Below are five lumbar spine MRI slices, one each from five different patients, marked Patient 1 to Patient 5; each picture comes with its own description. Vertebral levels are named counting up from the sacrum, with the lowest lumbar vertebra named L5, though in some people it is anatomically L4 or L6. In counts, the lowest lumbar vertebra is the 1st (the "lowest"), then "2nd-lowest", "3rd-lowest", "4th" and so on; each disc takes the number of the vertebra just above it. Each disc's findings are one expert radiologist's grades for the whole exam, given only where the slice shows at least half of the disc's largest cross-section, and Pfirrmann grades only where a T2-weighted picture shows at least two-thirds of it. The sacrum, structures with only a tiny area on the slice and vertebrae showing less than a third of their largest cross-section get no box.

Patient 1 of 5:
T2 SPACE (3D) sagittal MRI of the lumbar spine. Sagittal slice index 55. Patient sex: F.
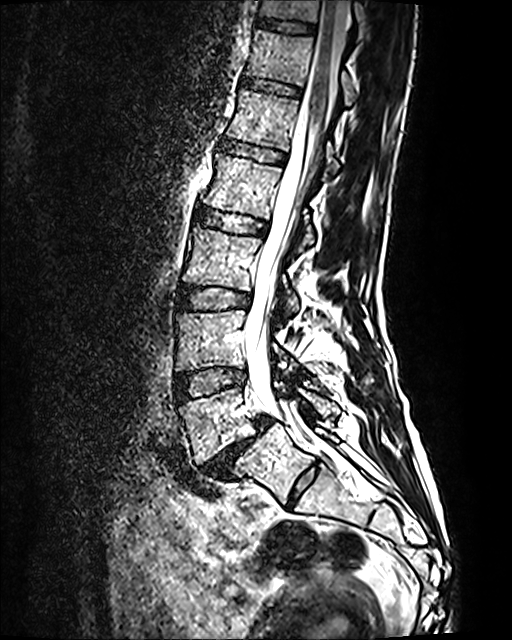

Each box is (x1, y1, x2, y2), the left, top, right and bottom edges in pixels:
IVD T11/T12 — (257, 19, 314, 32).
L4 — (177, 310, 293, 377).
T12 — (245, 31, 356, 106).
L3 — (183, 226, 299, 315).
L1 vertebra — (227, 89, 339, 178).
IVD L2/L3 — (195, 209, 266, 234).
L2 vertebra — (203, 154, 313, 252).
IVD L1/L2 — (220, 141, 284, 163).
T11 vertebra — (259, 0, 370, 38).
Thecal sac / spinal canal — (244, 0, 349, 452).
IVD L4/L5 — (174, 367, 245, 401).
IVD T12/L1 — (242, 78, 299, 96).
L3/L4 — (177, 287, 249, 309).
L5/S1 — (202, 416, 272, 478).
L5 vertebra — (179, 388, 340, 462).

Expert MSK radiologist gradings (per disc):
- L4/L5: Pfirrmann grade 2
- L3/L4: Pfirrmann grade 2
- L2/L3: Pfirrmann grade 2
- T11/T12: Pfirrmann grade 2
- T12/L1: Pfirrmann grade 2
- L5/S1: Pfirrmann grade 5, spondylolisthesis, disc bulging, disc narrowing, Modic type II
- L1/L2: Pfirrmann grade 2

Patient 2 of 5:
Sagittal slice index 6, MRI lumbar spine (T1-weighted), sagittal plane, Sex F, Field of view 280x280 mm, slice spacing 4.4 mm
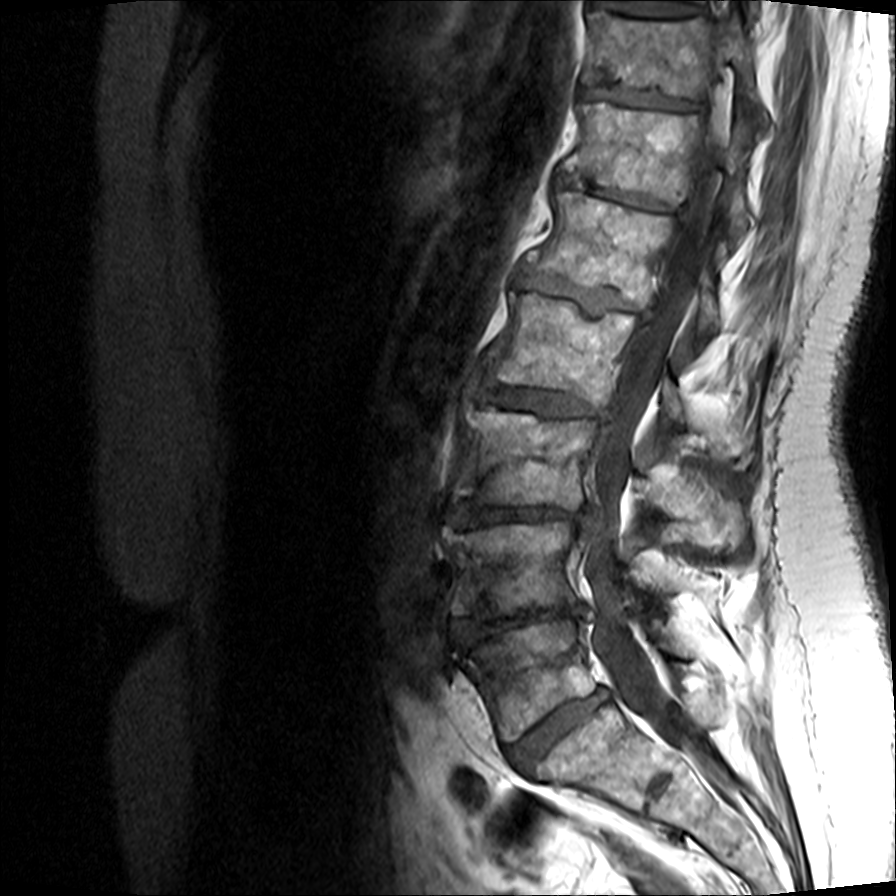

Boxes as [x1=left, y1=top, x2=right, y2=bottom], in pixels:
3rd-lowest disc — [x1=445, y1=500, x2=599, y2=533].
6th vertebra — [x1=565, y1=102, x2=752, y2=236].
4th disc — [x1=472, y1=377, x2=607, y2=417].
5th disc — [x1=519, y1=268, x2=653, y2=319].
2nd-lowest vertebra — [x1=444, y1=521, x2=664, y2=615].
Lowest vertebra — [x1=465, y1=620, x2=684, y2=740].
3rd-lowest vertebra — [x1=453, y1=398, x2=745, y2=545].
2nd-lowest disc — [x1=451, y1=604, x2=592, y2=646].
5th vertebra — [x1=528, y1=191, x2=720, y2=332].
7th disc — [x1=586, y1=85, x2=698, y2=109].
6th disc — [x1=557, y1=173, x2=675, y2=209].
Thecal sac / spinal canal — [x1=584, y1=134, x2=722, y2=775].
4th vertebra — [x1=484, y1=291, x2=752, y2=452].
Lowest disc — [x1=509, y1=689, x2=606, y2=771].
7th vertebra — [x1=585, y1=10, x2=754, y2=97].

Expert MSK radiologist gradings (per disc):
• lowest disc: disc bulging, upper-endplate change, lower-endplate change, disc narrowing, Modic type II
• 2nd-lowest disc: lower-endplate change, upper-endplate change, disc herniation, Modic type II, disc narrowing
• 3rd-lowest disc: Modic type II, lower-endplate change, disc narrowing, upper-endplate change, disc herniation
• 5th disc: upper-endplate change, Modic type II, lower-endplate change, disc bulging, disc narrowing
• 6th disc: lower-endplate change, disc bulging, Modic type II, disc narrowing, upper-endplate change
• 4th disc: lower-endplate change, upper-endplate change, Modic type II, disc narrowing, disc bulging
• 7th disc: upper-endplate change, Modic type II, lower-endplate change, disc narrowing

Patient 3 of 5:
T1-weighted sagittal MRI of the lumbar spine, 384x384 px, Sex F 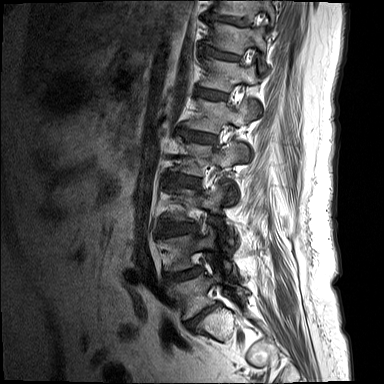
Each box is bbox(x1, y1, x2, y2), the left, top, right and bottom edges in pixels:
Disc L1/L2: bbox(179, 129, 214, 143).
L1 vertebra: bbox(188, 100, 257, 132).
T10/T11: bbox(209, 15, 248, 26).
L4: bbox(169, 228, 232, 274).
L2: bbox(174, 138, 247, 204).
T12/L1: bbox(199, 89, 224, 99).
T12: bbox(202, 59, 259, 91).
Disc L4/L5: bbox(165, 267, 201, 282).
T10: bbox(215, 0, 274, 20).
Disc L2/L3: bbox(168, 174, 199, 187).
T11 vertebra: bbox(210, 23, 270, 53).
L5: bbox(170, 271, 248, 318).
Disc L3/L4: bbox(161, 223, 196, 233).
T11/T12: bbox(204, 49, 239, 60).
Disc L5/S1: bbox(187, 303, 219, 328).

Radiological gradings:
• L3/L4: disc bulging
• L2/L3: disc bulging
• T10/T11: Modic type II, lower-endplate change, disc narrowing
• T12/L1: Modic type II
• L1/L2: disc bulging
• L4/L5: disc bulging, disc narrowing, upper-endplate change, lower-endplate change, Modic type II
• T11/T12: upper-endplate change, Modic type II

Patient 4 of 5:
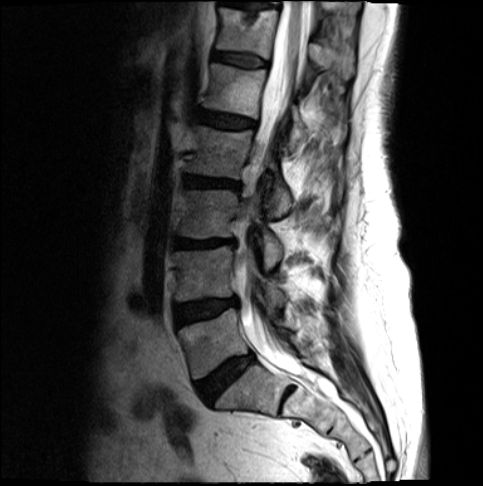 Sagittal T2-weighted lumbar spine MRI.
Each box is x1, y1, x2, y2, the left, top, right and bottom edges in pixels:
* 5th disc = 196, 111, 253, 127
* lowest disc = 197, 354, 253, 402
* 2nd-lowest vertebra = 172, 246, 284, 305
* 6th disc = 211, 52, 263, 66
* 2nd-lowest disc = 173, 297, 239, 326
* 6th vertebra = 214, 7, 353, 79
* 4th disc = 182, 176, 240, 188
* 3rd-lowest disc = 172, 238, 236, 247
* spinal canal = 232, 0, 306, 374
* lowest vertebra = 177, 308, 292, 379
* 4th vertebra = 183, 124, 338, 217
* 5th vertebra = 200, 63, 345, 146
* 3rd-lowest vertebra = 175, 189, 283, 267

Radiological gradings:
- 3rd-lowest disc: disc narrowing, disc bulging
- 5th disc: Pfirrmann grade 3, disc bulging
- 4th disc: Pfirrmann grade 4, disc bulging
- 2nd-lowest disc: Pfirrmann grade 3, disc bulging
- lowest disc: Pfirrmann grade 4, disc bulging
- 6th disc: Pfirrmann grade 3

Patient 5 of 5:
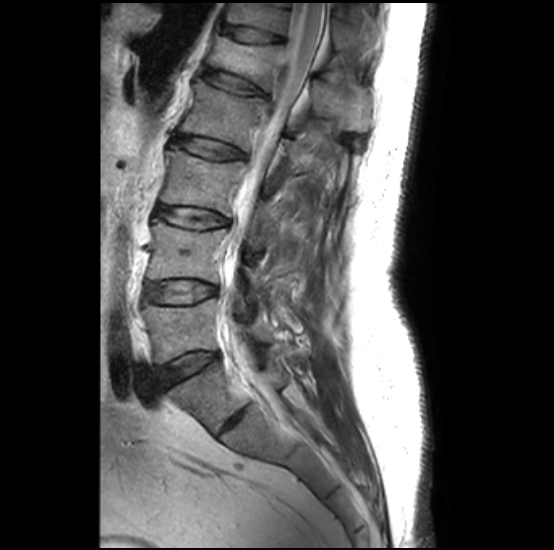
Slice spacing 3.3 mm | Lumbar spine MR, T2-weighted, sagittal | Patient sex: M

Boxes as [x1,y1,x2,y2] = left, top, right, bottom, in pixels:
- L3 vertebra: [160,146,279,238]
- L1/L2: [203,66,265,95]
- L1: [206,29,372,129]
- L2: [178,79,346,172]
- T12 vertebra: [224,2,354,49]
- intervertebral disc T12/L1: [219,23,284,42]
- L2/L3: [172,134,245,159]
- intervertebral disc L3/L4: [157,205,229,228]
- spinal canal: [225,3,326,332]
- L4/L5: [146,281,216,303]
- intervertebral disc L5/S1: [157,351,216,387]
- L4 vertebra: [147,219,265,292]
- L5: [143,299,271,363]

Per-level radiological findings:
  L3/L4: Pfirrmann grade 2, lower-endplate change, upper-endplate change, Modic type II
  L1/L2: Pfirrmann grade 2, lower-endplate change, Modic type II, upper-endplate change
  T12/L1: Pfirrmann grade 2, upper-endplate change, spondylolisthesis
  L2/L3: Pfirrmann grade 2, lower-endplate change, Modic type II, upper-endplate change
  L4/L5: Pfirrmann grade 1, upper-endplate change, Modic type II, lower-endplate change
  L5/S1: Pfirrmann grade 1